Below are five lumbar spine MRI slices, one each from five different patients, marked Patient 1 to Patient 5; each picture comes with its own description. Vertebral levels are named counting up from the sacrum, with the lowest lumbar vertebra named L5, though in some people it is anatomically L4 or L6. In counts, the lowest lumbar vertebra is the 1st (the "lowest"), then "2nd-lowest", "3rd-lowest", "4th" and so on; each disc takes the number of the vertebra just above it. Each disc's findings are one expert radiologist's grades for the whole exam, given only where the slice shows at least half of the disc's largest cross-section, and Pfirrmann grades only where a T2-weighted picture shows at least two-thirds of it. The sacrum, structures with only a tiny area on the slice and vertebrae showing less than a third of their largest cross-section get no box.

Patient 1 of 5:
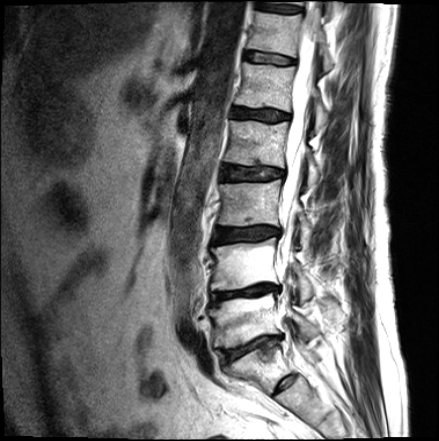 Sagittal T2-weighted lumbar spine MRI | 439x441 px
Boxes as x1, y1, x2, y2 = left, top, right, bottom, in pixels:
Thecal sac / spinal canal at 280, 17, 314, 258; T12/L1 at 246, 51, 294, 63; L3 at 218, 179, 313, 246; L4/L5 at 211, 284, 278, 304; L3/L4 at 213, 226, 279, 243; L4 vertebra at 211, 238, 312, 302; T12 vertebra at 248, 9, 333, 70; IVD L1/L2 at 232, 106, 287, 121; IVD T11/T12 at 257, 2, 300, 12; L5 at 210, 289, 319, 348; L2/L3 at 222, 165, 283, 179; L1 vertebra at 235, 62, 327, 131; L2 at 225, 120, 319, 188; L5/S1 at 221, 336, 281, 363.

Degenerative findings by level:
  L2/L3: Pfirrmann grade 3, lower-endplate change, upper-endplate change
  L4/L5: Pfirrmann grade 5, lower-endplate change, Modic type II, disc bulging, upper-endplate change, disc narrowing
  T11/T12: Pfirrmann grade 3
  L5/S1: Pfirrmann grade 4, upper-endplate change, disc narrowing, lower-endplate change, Modic type II, disc bulging
  L1/L2: Pfirrmann grade 3, lower-endplate change, upper-endplate change
  T12/L1: Pfirrmann grade 2, lower-endplate change, upper-endplate change
  L3/L4: Pfirrmann grade 3, disc bulging, lower-endplate change, upper-endplate change

Patient 2 of 5:
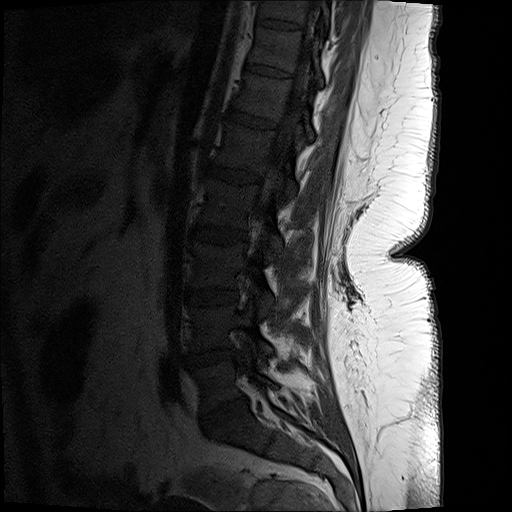 MRI lumbar spine (T1-weighted), sagittal plane. 512x512 px. Sex F.
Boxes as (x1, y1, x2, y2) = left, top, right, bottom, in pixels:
T10 (8th vertebra) at (259, 0, 329, 30), T12 (6th vertebra) at (234, 71, 314, 138), L2 (4th vertebra) at (199, 178, 284, 258), intervertebral disc T12/L1 (6th disc) at (225, 104, 278, 127), L5/S1 (lowest disc) at (201, 397, 249, 429), L4 (2nd-lowest vertebra) at (193, 303, 275, 363), L1/L2 (5th disc) at (201, 163, 261, 183), T11/T12 (7th disc) at (245, 62, 293, 77), spinal canal at (259, 0, 319, 217), intervertebral disc L2/L3 (4th disc) at (191, 224, 248, 242), intervertebral disc L3/L4 (3rd-lowest disc) at (188, 286, 238, 305), L1 (5th vertebra) at (215, 122, 298, 200), L5 (lowest vertebra) at (196, 354, 278, 410), T11 (7th vertebra) at (249, 26, 323, 84), intervertebral disc L4/L5 (2nd-lowest disc) at (192, 347, 238, 367), intervertebral disc T10/T11 (8th disc) at (261, 18, 299, 29), L3 (3rd-lowest vertebra) at (192, 243, 275, 313).

Per-level radiological findings:
- L5/S1 (lowest disc): disc narrowing, disc bulging
- L4/L5 (2nd-lowest disc): disc narrowing, disc bulging
- L1/L2 (5th disc), L3/L4 (3rd-lowest disc), L2/L3 (4th disc), T10/T11 (8th disc), T12/L1 (6th disc), T11/T12 (7th disc): no herniation, bulging, narrowing, spondylolisthesis, endplate or Modic change recorded

Patient 3 of 5:
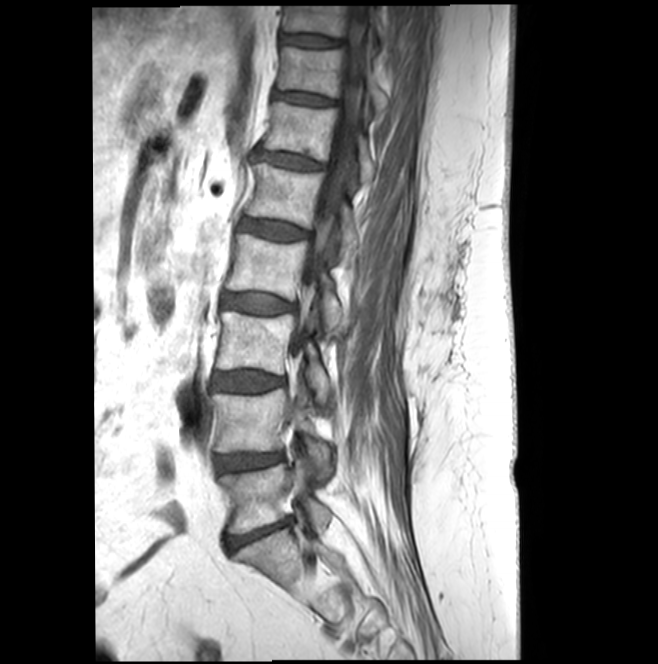 Slice 9 of 21 | Sagittal T1-weighted lumbar spine MRI | 658x664 px

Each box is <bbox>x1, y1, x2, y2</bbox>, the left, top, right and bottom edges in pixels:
IVD T11/T12 — <bbox>274, 91, 333, 106</bbox>.
L2 — <bbox>225, 233, 350, 332</bbox>.
T11 — <bbox>278, 46, 387, 113</bbox>.
L1 vertebra — <bbox>246, 164, 359, 259</bbox>.
IVD T10/T11 — <bbox>280, 34, 342, 47</bbox>.
L5 — <bbox>220, 458, 331, 533</bbox>.
L5/S1 — <bbox>225, 519, 291, 551</bbox>.
L3 — <bbox>215, 311, 332, 402</bbox>.
IVD L4/L5 — <bbox>215, 453, 282, 473</bbox>.
IVD T12/L1 — <bbox>254, 150, 322, 170</bbox>.
T10 — <bbox>283, 6, 386, 42</bbox>.
L4 vertebra — <bbox>211, 388, 332, 479</bbox>.
T12 — <bbox>264, 101, 374, 183</bbox>.
Spinal canal — <bbox>294, 6, 369, 353</bbox>.
L2/L3 — <bbox>221, 293, 295, 313</bbox>.
IVD L3/L4 — <bbox>213, 372, 283, 391</bbox>.
IVD L1/L2 — <bbox>238, 217, 309, 240</bbox>.

Per-level radiological findings:
- T12/L1: disc bulging
- L4/L5: disc narrowing
- L3/L4: Modic type II
- L5/S1: disc bulging, disc narrowing, Modic type II
- T10/T11, L2/L3, T11/T12, L1/L2: no Modic or endplate change, herniation, narrowing, bulging or spondylolisthesis recorded

Patient 4 of 5:
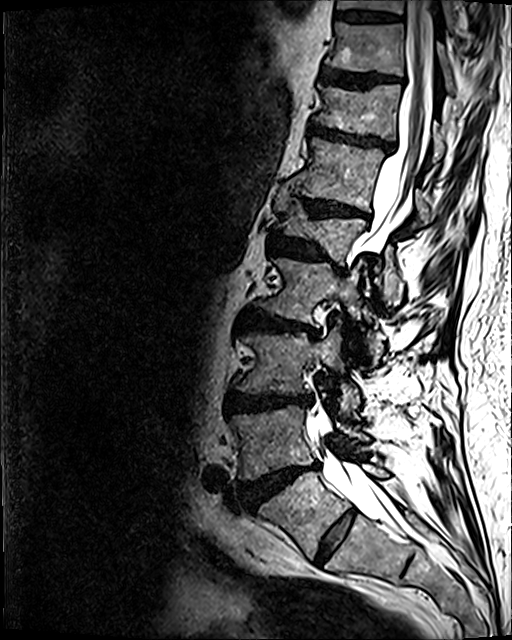 Sagittal T2 SPACE (3D) lumbar spine MRI.
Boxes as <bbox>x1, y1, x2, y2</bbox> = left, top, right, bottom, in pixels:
T11/T12: <bbox>309, 122, 391, 151</bbox>
disc T9/T10: <bbox>336, 11, 400, 21</bbox>
L1/L2: <bbox>269, 234, 337, 268</bbox>
disc L5/S1: <bbox>315, 510, 355, 563</bbox>
L1: <bbox>275, 186, 398, 293</bbox>
L2: <bbox>255, 257, 380, 354</bbox>
T12 vertebra: <bbox>289, 137, 431, 230</bbox>
T12/L1: <bbox>305, 200, 369, 218</bbox>
L4/L5: <bbox>243, 463, 318, 506</bbox>
T10 vertebra: <bbox>325, 22, 456, 92</bbox>
L3 vertebra: <bbox>236, 327, 359, 412</bbox>
L4 vertebra: <bbox>232, 405, 370, 480</bbox>
L3/L4: <bbox>227, 391, 312, 413</bbox>
L5: <bbox>259, 464, 389, 558</bbox>
spinal canal: <bbox>307, 0, 434, 535</bbox>
T10/T11: <bbox>321, 68, 402, 87</bbox>
disc L2/L3: <bbox>242, 311, 319, 338</bbox>
T9 vertebra: <bbox>337, 0, 455, 31</bbox>
T11: <bbox>314, 84, 444, 162</bbox>

Expert MSK radiologist gradings (per disc):
• T10/T11: Pfirrmann grade 4, upper-endplate change, disc bulging, lower-endplate change
• T9/T10: Pfirrmann grade 3, lower-endplate change
• T11/T12: Pfirrmann grade 4, disc narrowing, lower-endplate change, upper-endplate change, disc bulging
• L3/L4: Pfirrmann grade 4, lower-endplate change, disc narrowing, upper-endplate change, disc bulging
• L1/L2: lower-endplate change, disc narrowing, upper-endplate change, disc bulging
• L2/L3: disc narrowing, upper-endplate change, Modic type II, disc bulging, lower-endplate change
• L5/S1: Pfirrmann grade 2
• T12/L1: lower-endplate change, disc narrowing, disc bulging, upper-endplate change
• L4/L5: Pfirrmann grade 5, disc narrowing, lower-endplate change, Modic type II, upper-endplate change, disc bulging, disc herniation

Patient 5 of 5:
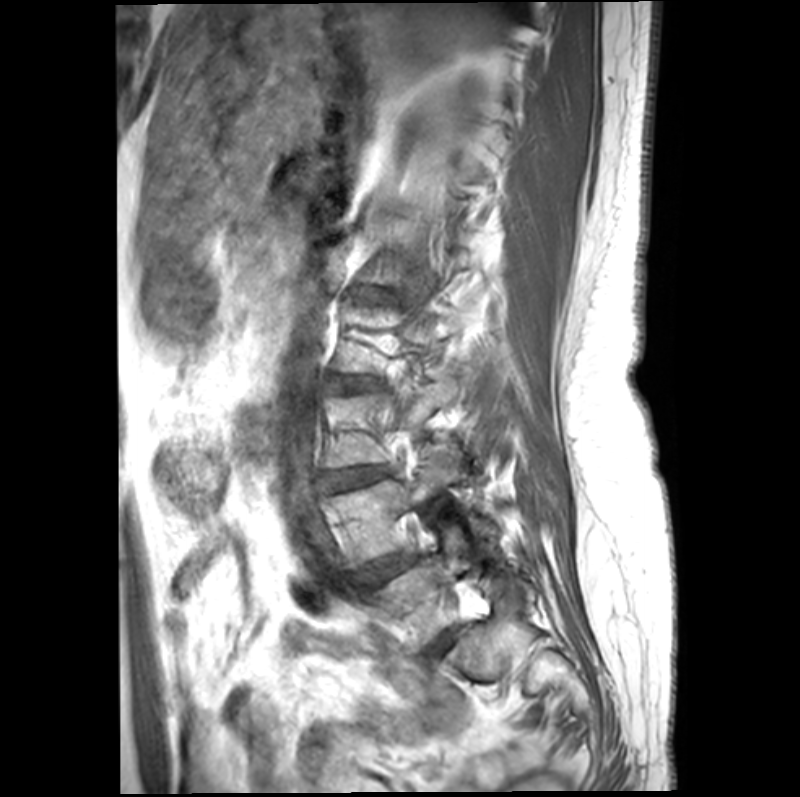 Lumbar spine MR, T1-weighted, sagittal, 800x797 px
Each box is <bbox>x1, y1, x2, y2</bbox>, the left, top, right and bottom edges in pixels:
Segmented structures:
- L3/L4 at <bbox>323, 467, 384, 490</bbox>
- L5/S1 at <bbox>429, 633, 451, 657</bbox>
- L4 vertebra at <bbox>328, 457, 490, 567</bbox>
- L5 at <bbox>377, 526, 469, 643</bbox>
- L2/L3 at <bbox>332, 376, 373, 391</bbox>
- IVD L4/L5 at <bbox>356, 554, 415, 584</bbox>

Per-level radiological findings:
  L4/L5: Modic type II
  L3/L4: lower-endplate change, disc narrowing, disc bulging, upper-endplate change, Modic type II